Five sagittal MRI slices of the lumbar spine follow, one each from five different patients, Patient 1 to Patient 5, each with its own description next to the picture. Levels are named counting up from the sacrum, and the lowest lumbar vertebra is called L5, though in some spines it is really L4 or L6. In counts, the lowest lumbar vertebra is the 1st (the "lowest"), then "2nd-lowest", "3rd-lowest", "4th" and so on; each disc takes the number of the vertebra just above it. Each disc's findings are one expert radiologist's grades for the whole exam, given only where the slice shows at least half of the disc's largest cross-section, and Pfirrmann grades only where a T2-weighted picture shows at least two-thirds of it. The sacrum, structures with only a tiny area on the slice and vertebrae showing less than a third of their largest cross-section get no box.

Patient 1 of 5:
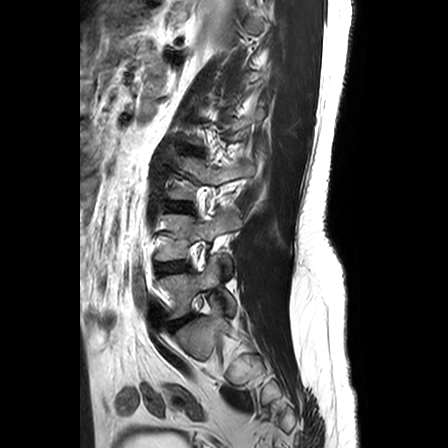 Image 448x448. Sagittal T2-weighted lumbar spine MRI. Patient sex: M.
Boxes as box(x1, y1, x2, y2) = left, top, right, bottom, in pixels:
2nd-lowest disc at box(156, 262, 188, 273); 2nd-lowest vertebra at box(155, 208, 241, 269); 3rd-lowest vertebra at box(169, 157, 253, 199); lowest vertebra at box(160, 256, 235, 319); lowest disc at box(170, 316, 191, 329).

Patient 2 of 5:
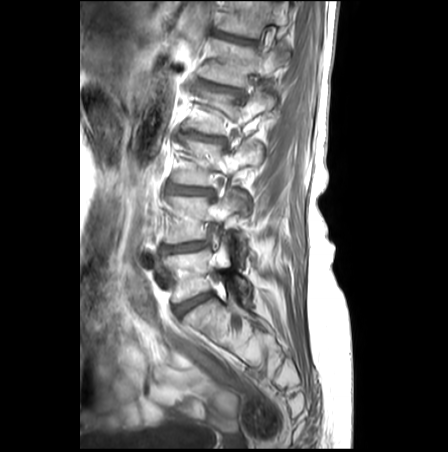 Sagittal slice index 19; Sagittal T1-weighted lumbar spine MRI
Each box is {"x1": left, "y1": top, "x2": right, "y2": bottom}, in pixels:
Intervertebral disc T12/L1 at {"x1": 218, "y1": 33, "x2": 254, "y2": 44}, L4 vertebra at {"x1": 164, "y1": 190, "x2": 248, "y2": 262}, L3/L4 at {"x1": 168, "y1": 187, "x2": 212, "y2": 196}, T12 at {"x1": 218, "y1": 1, "x2": 288, "y2": 38}, L3 at {"x1": 174, "y1": 141, "x2": 261, "y2": 186}, L2 vertebra at {"x1": 187, "y1": 92, "x2": 275, "y2": 134}, intervertebral disc L1/L2 at {"x1": 207, "y1": 84, "x2": 237, "y2": 92}, intervertebral disc L2/L3 at {"x1": 188, "y1": 135, "x2": 220, "y2": 141}, L5 vertebra at {"x1": 166, "y1": 236, "x2": 249, "y2": 303}, intervertebral disc L5/S1 at {"x1": 175, "y1": 294, "x2": 211, "y2": 315}, L4/L5 at {"x1": 162, "y1": 242, "x2": 207, "y2": 254}, L1 vertebra at {"x1": 203, "y1": 40, "x2": 288, "y2": 86}.

Expert MSK radiologist gradings (per disc):
• L3/L4: disc bulging, disc narrowing, lower-endplate change, upper-endplate change, Modic type II
• T12/L1: lower-endplate change, upper-endplate change
• L4/L5: disc bulging, upper-endplate change, lower-endplate change, Modic type II, disc narrowing

Patient 3 of 5:
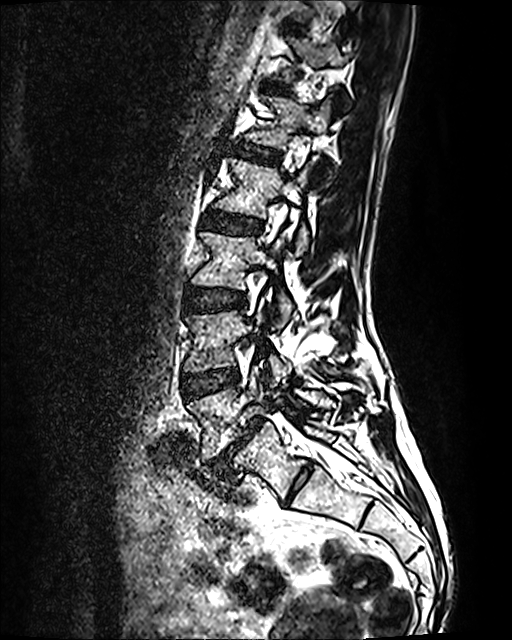

Lumbar spine MR, T2 SPACE (3D), sagittal. Image 512x640. Slice 75/120.
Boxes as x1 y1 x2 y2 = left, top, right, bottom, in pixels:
Annotations:
* 5th disc: 234 145 279 162
* 3rd-lowest disc: 184 288 245 311
* lowest disc: 206 417 264 473
* 4th vertebra: 215 159 310 255
* lowest vertebra: 187 366 333 459
* 6th disc: 265 82 287 92
* 3rd-lowest vertebra: 192 232 292 327
* 2nd-lowest vertebra: 184 309 291 386
* 4th disc: 205 211 261 233
* 5th vertebra: 247 96 332 185
* 2nd-lowest disc: 182 369 238 398
* 6th vertebra: 279 37 347 82

Per-level radiological findings:
• 4th disc: Pfirrmann grade 2
• 2nd-lowest disc: Pfirrmann grade 2
• lowest disc: Pfirrmann grade 5, Modic type II, spondylolisthesis, disc bulging, disc narrowing
• 3rd-lowest disc: Pfirrmann grade 2
• 5th disc: no herniation, bulging, narrowing, spondylolisthesis, endplate or Modic change recorded

Patient 4 of 5:
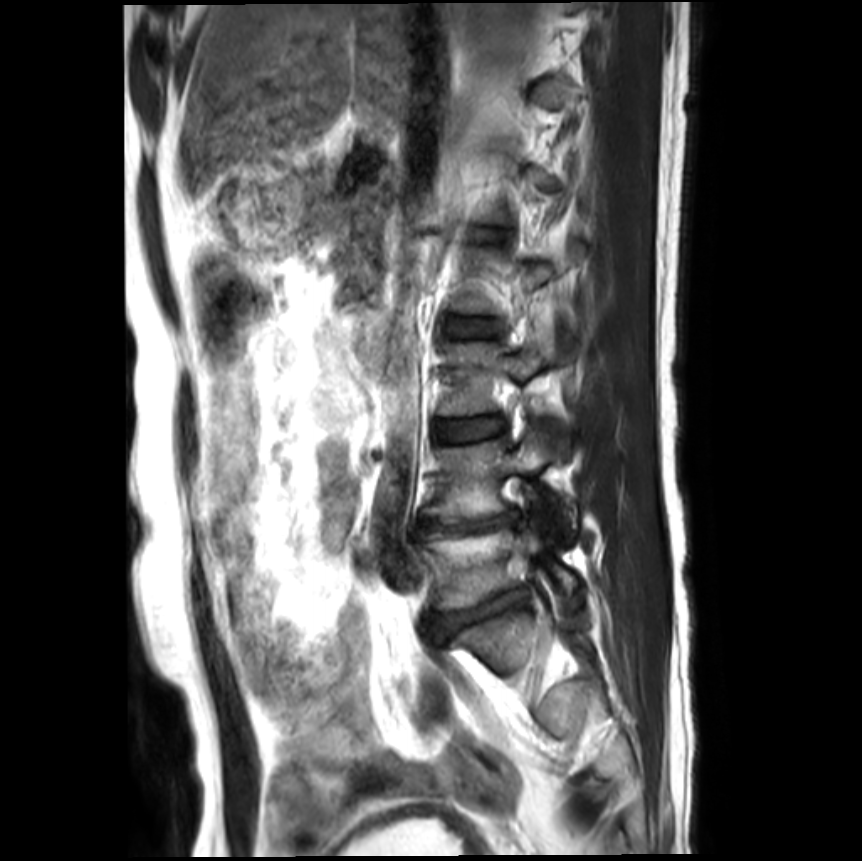 Image 862x861 | T2-weighted sagittal MRI of the lumbar spine | Patient sex: M
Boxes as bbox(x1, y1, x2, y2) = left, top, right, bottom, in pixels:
Segmented structures:
• intervertebral disc L1/L2 at bbox(480, 230, 501, 240)
• intervertebral disc L5/S1 at bbox(427, 589, 525, 635)
• L5 at bbox(418, 520, 577, 608)
• L3 at bbox(440, 329, 558, 414)
• L4 vertebra at bbox(423, 428, 577, 526)
• L4/L5 at bbox(417, 508, 518, 533)
• intervertebral disc L3/L4 at bbox(433, 417, 501, 441)
• intervertebral disc L2/L3 at bbox(447, 318, 498, 337)

Degenerative findings by level:
- L4/L5: Pfirrmann grade 5, disc bulging, upper-endplate change, disc narrowing, lower-endplate change, Modic type II
- L5/S1: upper-endplate change, disc bulging, lower-endplate change, disc narrowing, spondylolisthesis
- L3/L4: no Modic or endplate change, herniation, narrowing, bulging or spondylolisthesis recorded

Patient 5 of 5:
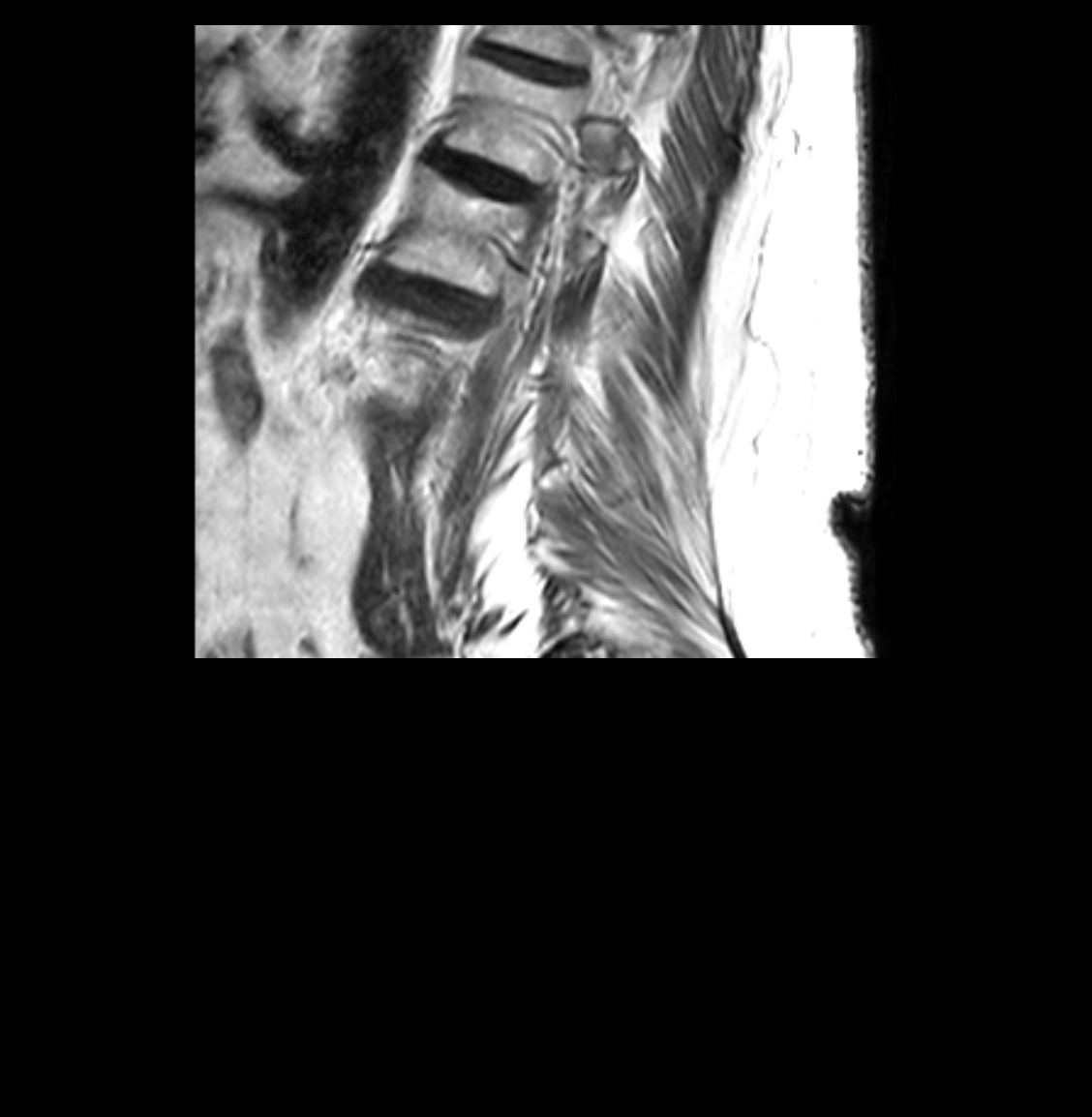 Patient sex: F; MRI lumbar spine (T2-weighted), sagittal plane; Sagittal slice index 27
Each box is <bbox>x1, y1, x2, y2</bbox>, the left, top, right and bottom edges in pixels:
Disc T12/L1 (6th disc) at <bbox>432, 150, 523, 196</bbox>, T11 (7th vertebra) at <bbox>488, 26, 587, 65</bbox>, L1 (5th vertebra) at <bbox>387, 166, 593, 294</bbox>, T12 (6th vertebra) at <bbox>443, 58, 611, 180</bbox>, L1/L2 (5th disc) at <bbox>373, 272, 465, 305</bbox>, disc T11/T12 (7th disc) at <bbox>483, 45, 569, 79</bbox>.

Radiological gradings:
  T12/L1 (6th disc): disc narrowing, disc bulging
  L1/L2 (5th disc): upper-endplate change, disc narrowing, lower-endplate change, disc bulging
  T11/T12 (7th disc): Pfirrmann grade 4, disc narrowing